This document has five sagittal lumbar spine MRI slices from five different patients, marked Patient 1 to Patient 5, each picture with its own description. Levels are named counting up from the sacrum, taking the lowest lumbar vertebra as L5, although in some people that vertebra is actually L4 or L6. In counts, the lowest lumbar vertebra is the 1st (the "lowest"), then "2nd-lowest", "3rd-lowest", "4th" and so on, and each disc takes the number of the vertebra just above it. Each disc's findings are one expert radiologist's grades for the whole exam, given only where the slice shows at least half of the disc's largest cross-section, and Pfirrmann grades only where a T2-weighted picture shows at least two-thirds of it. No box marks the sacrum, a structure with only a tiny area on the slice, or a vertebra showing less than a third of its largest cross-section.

Patient 1 of 5:
512x640 px; T2 SPACE (3D) sagittal MRI of the lumbar spine; Slice 43/120

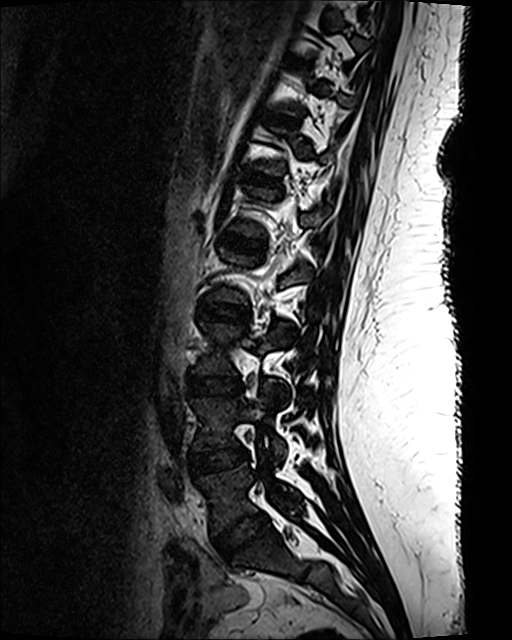 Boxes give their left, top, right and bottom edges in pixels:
4th vertebra: left=209, top=250, right=308, bottom=335.
6th disc: left=242, top=172, right=280, bottom=186.
2nd-lowest disc: left=191, top=447, right=248, bottom=474.
6th vertebra: left=251, top=127, right=334, bottom=174.
4th disc: left=196, top=301, right=250, bottom=322.
5th disc: left=218, top=233, right=264, bottom=252.
Lowest vertebra: left=195, top=464, right=300, bottom=535.
3rd-lowest disc: left=187, top=376, right=242, bottom=395.
8th disc: left=286, top=59, right=311, bottom=67.
Lowest disc: left=213, top=512, right=268, bottom=561.
2nd-lowest vertebra: left=190, top=386, right=284, bottom=461.
3rd-lowest vertebra: left=191, top=323, right=285, bottom=395.
5th vertebra: left=229, top=186, right=324, bottom=265.
7th disc: left=260, top=111, right=298, bottom=125.

Radiological gradings:
• 3rd-lowest disc: Pfirrmann grade 1
• 4th disc: Pfirrmann grade 1
• 5th disc: Pfirrmann grade 1
• 2nd-lowest disc: Pfirrmann grade 1
• lowest disc: Pfirrmann grade 1
• 6th disc, 7th disc: no Modic or endplate change, herniation, narrowing, bulging or spondylolisthesis recorded

Patient 2 of 5:
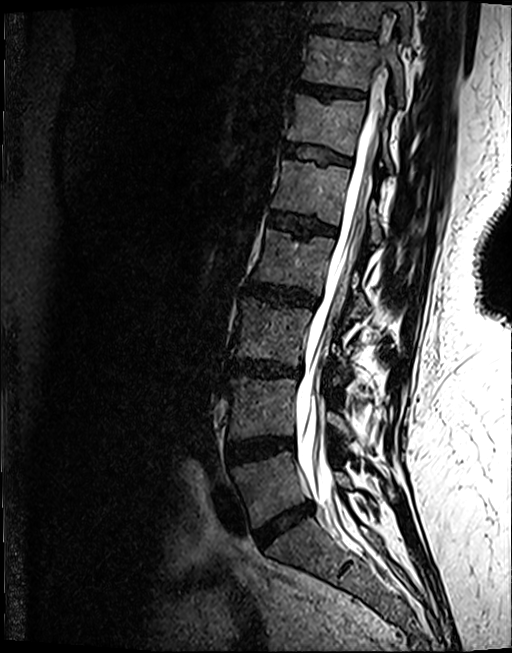
Sagittal slice index 67 | Image 512x653 | T2 SPACE (3D) sagittal MRI of the lumbar spine | Field of view 240x301 mm | Sex F
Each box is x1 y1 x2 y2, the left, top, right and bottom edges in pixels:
L1 (5th vertebra) = 271 159 382 243.
T12 (6th vertebra) = 287 93 392 171.
T10 (8th vertebra) = 312 0 411 37.
Thecal sac / spinal canal = 296 66 386 529.
L2/L3 (4th disc) = 245 281 317 307.
L1/L2 (5th disc) = 269 211 335 236.
L2 (4th vertebra) = 252 228 368 316.
L5/S1 (lowest disc) = 255 502 313 546.
L3 (3rd-lowest vertebra) = 232 296 352 381.
Disc T11/T12 (7th disc) = 296 81 365 97.
L5 (lowest vertebra) = 230 451 352 527.
Disc L4/L5 (2nd-lowest disc) = 226 435 293 462.
Disc T12/L1 (6th disc) = 284 144 350 163.
T11 (7th vertebra) = 302 34 404 105.
L3/L4 (3rd-lowest disc) = 228 360 300 376.
L4 (2nd-lowest vertebra) = 227 377 351 442.
Disc T10/T11 (8th disc) = 312 24 374 37.

Expert MSK radiologist gradings (per disc):
- L1/L2 (5th disc): Pfirrmann grade 4, Modic type II, upper-endplate change, lower-endplate change
- T12/L1 (6th disc): Pfirrmann grade 3, lower-endplate change, upper-endplate change
- L3/L4 (3rd-lowest disc): Pfirrmann grade 4, upper-endplate change, disc bulging, Modic type II, disc narrowing, lower-endplate change
- T10/T11 (8th disc): Pfirrmann grade 4, upper-endplate change, lower-endplate change
- L5/S1 (lowest disc): Pfirrmann grade 4, disc narrowing, disc bulging
- L2/L3 (4th disc): Pfirrmann grade 4, lower-endplate change, upper-endplate change, disc bulging
- L4/L5 (2nd-lowest disc): Pfirrmann grade 4, lower-endplate change, Modic type II, disc bulging
- T11/T12 (7th disc): Pfirrmann grade 4, upper-endplate change

Patient 3 of 5:
Image 1085x1120. Sagittal T2-weighted lumbar spine MRI. Patient sex: F.
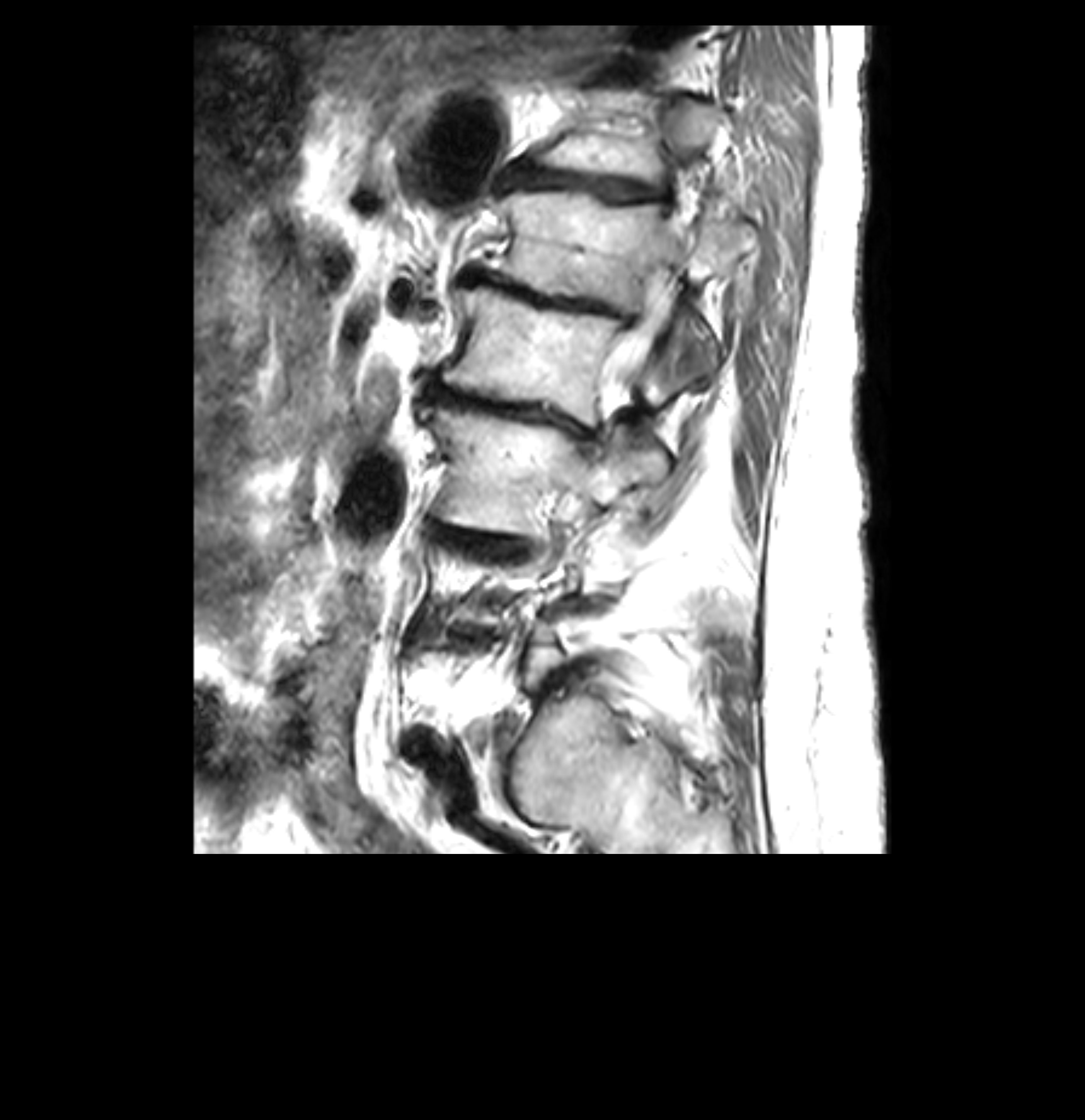

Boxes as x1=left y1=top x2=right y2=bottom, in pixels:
4th disc: x1=424 y1=376 x2=593 y2=440 | 6th disc: x1=501 y1=161 x2=661 y2=203 | 5th disc: x1=463 y1=268 x2=620 y2=317 | 6th vertebra: x1=533 y1=90 x2=714 y2=192 | 5th vertebra: x1=492 y1=190 x2=755 y2=378 | 3rd-lowest vertebra: x1=421 y1=395 x2=666 y2=536 | spinal canal: x1=610 y1=211 x2=683 y2=397 | 7th disc: x1=598 y1=57 x2=654 y2=82 | 4th vertebra: x1=443 y1=288 x2=668 y2=427

Degenerative findings by level:
  6th disc: Pfirrmann grade 5, disc narrowing, Modic type II, lower-endplate change, upper-endplate change, disc bulging

Patient 4 of 5:
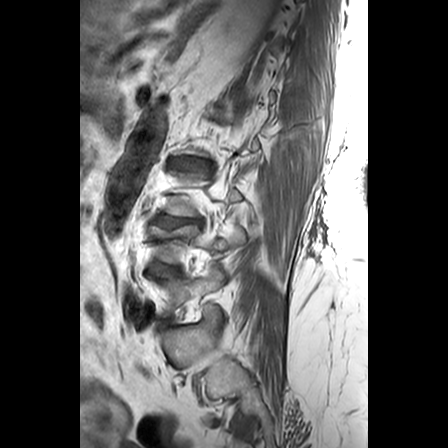

Patient sex: F, Slice 20 of 24, 448x448 px, MRI lumbar spine (T1-weighted), sagittal plane

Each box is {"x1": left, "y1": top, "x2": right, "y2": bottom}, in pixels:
{"L5 (lowest vertebra)": {"x1": 153, "y1": 267, "x2": 224, "y2": 316}, "L2/L3 (4th disc)": {"x1": 172, "y1": 158, "x2": 206, "y2": 169}, "L4/L5 (2nd-lowest disc)": {"x1": 154, "y1": 262, "x2": 171, "y2": 270}, "L4 (2nd-lowest vertebra)": {"x1": 149, "y1": 225, "x2": 244, "y2": 262}, "L3/L4 (3rd-lowest disc)": {"x1": 157, "y1": 215, "x2": 199, "y2": 227}}

Patient 5 of 5:
T2 SPACE (3D) sagittal MRI of the lumbar spine; Field of view 240x308 mm; Image 512x657; Slice 88/154

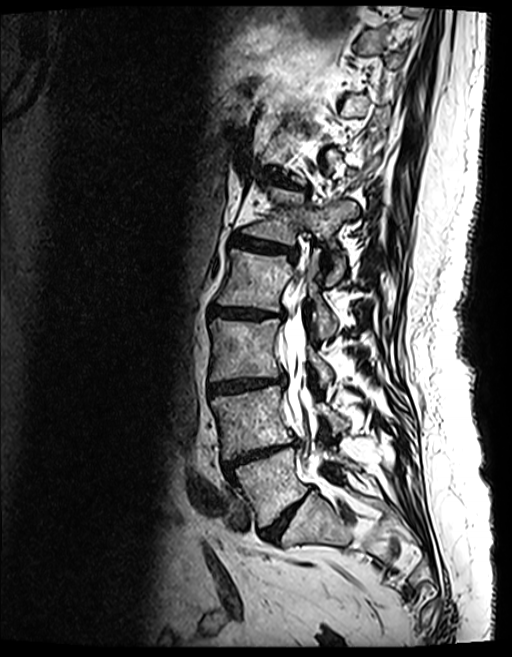
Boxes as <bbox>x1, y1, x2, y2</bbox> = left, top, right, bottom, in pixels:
L5/S1 at <bbox>261, 497, 304, 539</bbox>, L5 vertebra at <bbox>233, 448, 355, 526</bbox>, IVD L1/L2 at <bbox>230, 237, 296, 259</bbox>, L3/L4 at <bbox>209, 376, 284, 393</bbox>, thecal sac / spinal canal at <bbox>283, 279, 320, 459</bbox>, L1 at <bbox>242, 187, 356, 282</bbox>, T12/L1 at <bbox>280, 180, 307, 191</bbox>, IVD L4/L5 at <bbox>224, 441, 299, 474</bbox>, L3 at <bbox>210, 318, 331, 386</bbox>, IVD L2/L3 at <bbox>209, 303, 287, 317</bbox>, L2 vertebra at <bbox>218, 249, 336, 337</bbox>, L4 vertebra at <bbox>211, 385, 348, 458</bbox>.

Per-level radiological findings:
- L2/L3: Pfirrmann grade 4, upper-endplate change, Modic type II, lower-endplate change, disc narrowing, disc bulging
- L4/L5: Pfirrmann grade 5, Modic type II, lower-endplate change, disc narrowing, upper-endplate change, disc bulging
- L1/L2: Pfirrmann grade 4, Modic type II, disc bulging, disc narrowing, upper-endplate change, lower-endplate change
- L3/L4: Pfirrmann grade 4, disc narrowing, Modic type II, lower-endplate change, disc bulging, upper-endplate change
- L5/S1: disc bulging, disc narrowing